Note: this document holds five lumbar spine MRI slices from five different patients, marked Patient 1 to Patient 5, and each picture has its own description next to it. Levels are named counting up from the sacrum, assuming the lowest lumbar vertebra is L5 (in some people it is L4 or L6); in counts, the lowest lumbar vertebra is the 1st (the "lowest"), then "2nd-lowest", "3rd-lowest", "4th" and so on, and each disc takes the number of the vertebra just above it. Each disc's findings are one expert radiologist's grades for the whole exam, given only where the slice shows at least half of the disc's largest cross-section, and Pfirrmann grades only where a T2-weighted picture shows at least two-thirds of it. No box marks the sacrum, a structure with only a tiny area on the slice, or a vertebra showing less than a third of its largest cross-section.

Patient 1 of 5:
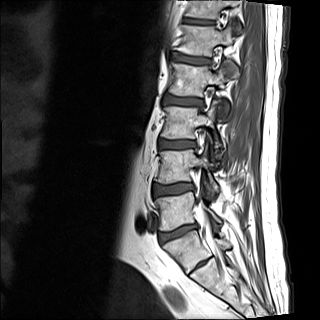
Sagittal T1-weighted lumbar spine MRI. Image 320x320. Slice 11 of 15.

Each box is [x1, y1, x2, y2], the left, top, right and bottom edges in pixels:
3rd-lowest disc = [158, 140, 196, 148].
5th vertebra = [175, 24, 233, 56].
Lowest vertebra = [154, 192, 221, 231].
6th vertebra = [185, 0, 241, 33].
4th vertebra = [169, 63, 226, 96].
5th disc = [173, 54, 211, 64].
3rd-lowest vertebra = [161, 101, 221, 154].
6th disc = [184, 19, 213, 24].
2nd-lowest vertebra = [155, 146, 219, 193].
Lowest disc = [159, 225, 197, 243].
2nd-lowest disc = [153, 184, 194, 196].
4th disc = [164, 95, 203, 107].

Expert MSK radiologist gradings (per disc):
  2nd-lowest disc: upper-endplate change, disc bulging, lower-endplate change
  5th disc: lower-endplate change, Modic type II, upper-endplate change
  4th disc: disc bulging, Modic type II, upper-endplate change, lower-endplate change
  lowest disc: upper-endplate change, disc narrowing, disc herniation, lower-endplate change, Modic type II
  3rd-lowest disc, 6th disc: no Modic or endplate change, herniation, narrowing, bulging or spondylolisthesis recorded

Patient 2 of 5:
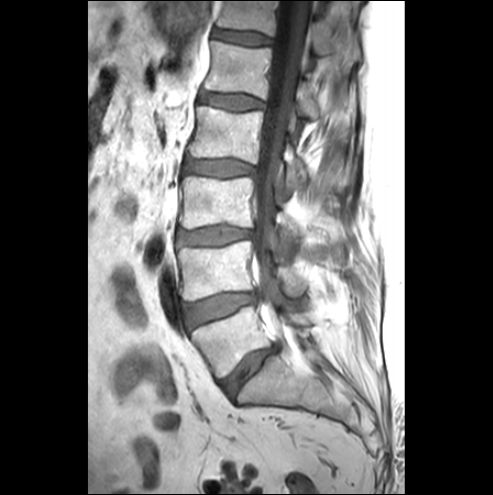 MRI lumbar spine (T1-weighted), sagittal plane. Field of view 280x281 mm, slice spacing 3.3 mm. Slice 15 of 25. 493x495 px.
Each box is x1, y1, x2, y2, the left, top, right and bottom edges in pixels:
Intervertebral disc L4/L5: 186, 293, 254, 327.
Intervertebral disc L5/S1: 220, 346, 274, 395.
L2/L3: 185, 159, 253, 176.
L1: 205, 40, 319, 117.
Thecal sac / spinal canal: 252, 1, 308, 316.
L5 vertebra: 191, 306, 310, 377.
L1/L2: 199, 91, 262, 109.
T12: 217, 1, 360, 61.
L2: 189, 106, 309, 184.
Intervertebral disc T12/L1: 213, 29, 272, 44.
Intervertebral disc L3/L4: 178, 226, 250, 244.
L3 vertebra: 179, 175, 301, 236.
L4: 178, 241, 307, 300.

Radiological gradings:
  L4/L5: disc bulging, Modic type III
  L3/L4: disc bulging
  L5/S1: disc narrowing, disc bulging
  L1/L2, T12/L1, L2/L3: no herniation, bulging, narrowing, spondylolisthesis, endplate or Modic change recorded

Patient 3 of 5:
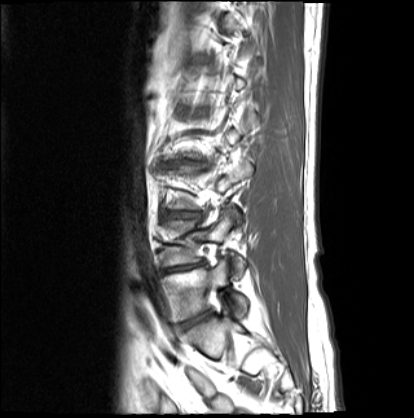
Slice 5 of 18; Sagittal T1-weighted lumbar spine MRI; Image 414x418
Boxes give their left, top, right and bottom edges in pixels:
Disc L3/L4 = left=167, top=212, right=198, bottom=217.
L4 = left=163, top=208, right=245, bottom=276.
L4/L5 = left=164, top=265, right=194, bottom=273.
L5/S1 = left=180, top=313, right=207, bottom=329.
L5 vertebra = left=163, top=259, right=247, bottom=321.

Patient 4 of 5:
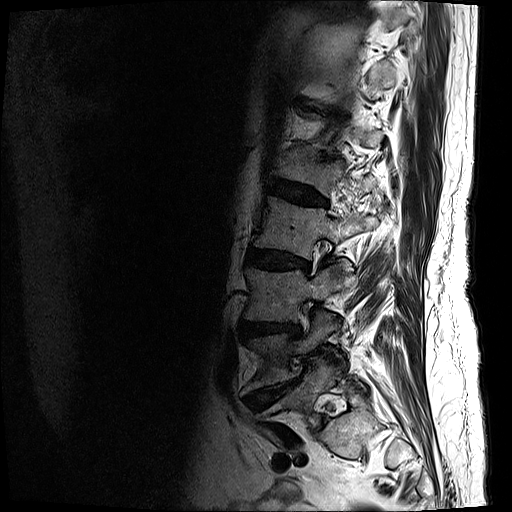 Field of view 300x300 mm. T2-weighted sagittal MRI of the lumbar spine. Sagittal slice index 3.
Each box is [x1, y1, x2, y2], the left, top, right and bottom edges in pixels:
L2/L3 = [246, 248, 310, 272].
L1 = [276, 153, 376, 196].
L4/L5 = [248, 377, 300, 408].
Intervertebral disc L3/L4 = [243, 320, 300, 337].
L2 vertebra = [254, 196, 377, 259].
L3 vertebra = [245, 262, 354, 322].
L4 vertebra = [245, 312, 338, 392].
L5 vertebra = [278, 360, 339, 425].
L1/L2 = [269, 178, 328, 206].

Expert MSK radiologist gradings (per disc):
- L1/L2: Pfirrmann grade 4, disc narrowing, disc bulging, upper-endplate change, lower-endplate change
- L3/L4: Pfirrmann grade 4, upper-endplate change, disc narrowing, lower-endplate change, disc bulging
- L4/L5: Pfirrmann grade 5, disc bulging, lower-endplate change, Modic type II, upper-endplate change, disc herniation, disc narrowing
- L2/L3: Pfirrmann grade 4, upper-endplate change, lower-endplate change, disc bulging, disc narrowing, Modic type II

Patient 5 of 5:
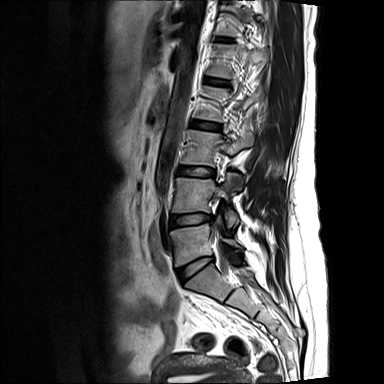 Sex F; Sagittal T2-weighted lumbar spine MRI
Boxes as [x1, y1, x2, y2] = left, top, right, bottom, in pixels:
L2/L3 (4th disc): [191, 120, 220, 130]
L5 (lowest vertebra): [170, 214, 241, 266]
IVD L1/L2 (5th disc): [207, 78, 225, 85]
L5/S1 (lowest disc): [177, 257, 212, 282]
L1 (5th vertebra): [207, 44, 267, 78]
L4/L5 (2nd-lowest disc): [171, 214, 211, 226]
L4 (2nd-lowest vertebra): [172, 173, 239, 226]
L3 (3rd-lowest vertebra): [181, 130, 253, 166]
IVD L3/L4 (3rd-lowest disc): [180, 166, 214, 176]

Degenerative findings by level:
• L5/S1 (lowest disc): Pfirrmann grade 1, disc bulging
• L4/L5 (2nd-lowest disc): Pfirrmann grade 2, disc bulging, Modic type II
• L3/L4 (3rd-lowest disc): Pfirrmann grade 1
• L2/L3 (4th disc): no herniation, bulging, narrowing, spondylolisthesis, endplate or Modic change recorded